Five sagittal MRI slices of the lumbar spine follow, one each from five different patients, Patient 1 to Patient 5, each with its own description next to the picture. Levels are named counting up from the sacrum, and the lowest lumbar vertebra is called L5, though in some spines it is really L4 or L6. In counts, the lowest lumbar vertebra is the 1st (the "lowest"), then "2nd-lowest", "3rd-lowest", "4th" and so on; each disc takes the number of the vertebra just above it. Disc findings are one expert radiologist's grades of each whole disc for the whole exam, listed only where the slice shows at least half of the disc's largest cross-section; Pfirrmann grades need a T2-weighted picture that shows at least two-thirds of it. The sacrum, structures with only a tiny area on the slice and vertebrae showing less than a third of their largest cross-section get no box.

Patient 1 of 5:
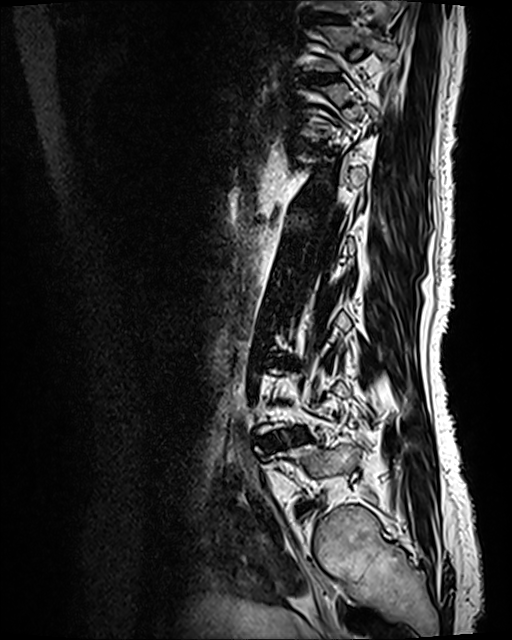

MRI lumbar spine (T2 SPACE (3D)), sagittal plane. Slice 91 of 120. Patient sex: F.

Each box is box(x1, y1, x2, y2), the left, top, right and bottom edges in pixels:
L3/L4 = box(282, 358, 292, 363).
T10 vertebra = box(308, 0, 399, 25).
T11 vertebra = box(314, 26, 397, 70).
L4/L5 = box(262, 430, 307, 448).
T11/T12 = box(314, 74, 334, 80).
T10/T11 = box(313, 14, 346, 22).

Expert MSK radiologist gradings (per disc):
• L4/L5: lower-endplate change, Modic type II, disc narrowing, disc bulging, upper-endplate change

Patient 2 of 5:
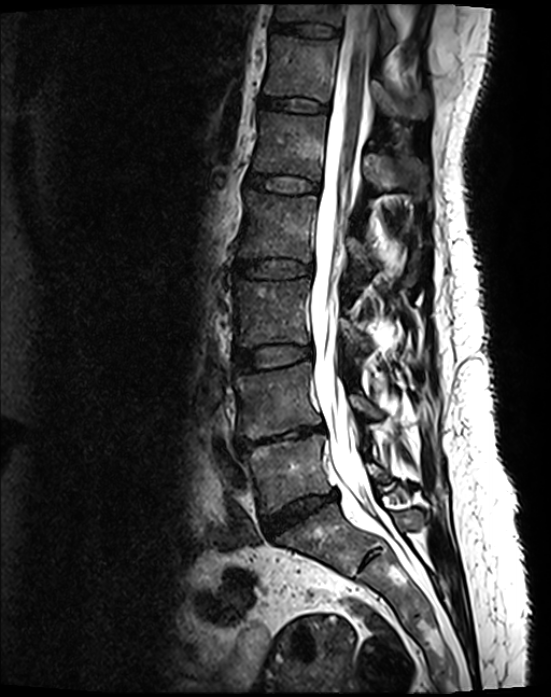

MRI lumbar spine (T2 SPACE (3D)), sagittal plane; Patient sex: F

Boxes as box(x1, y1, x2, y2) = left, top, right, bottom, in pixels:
Structures:
- T12/L1 (6th disc) — box(259, 96, 327, 112)
- T11 (7th vertebra) — box(276, 4, 395, 52)
- L5/S1 (lowest disc) — box(263, 492, 337, 535)
- L3/L4 (3rd-lowest disc) — box(235, 344, 312, 371)
- L5 (lowest vertebra) — box(243, 434, 390, 512)
- T12 (6th vertebra) — box(265, 35, 427, 119)
- IVD T11/T12 (7th disc) — box(271, 22, 339, 36)
- L4 (2nd-lowest vertebra) — box(235, 362, 384, 439)
- thecal sac / spinal canal — box(310, 4, 378, 516)
- IVD L1/L2 (5th disc) — box(248, 175, 319, 192)
- L2 (4th vertebra) — box(237, 191, 421, 287)
- IVD L2/L3 (4th disc) — box(235, 259, 312, 279)
- L3 (3rd-lowest vertebra) — box(235, 280, 410, 361)
- IVD L4/L5 (2nd-lowest disc) — box(235, 426, 323, 451)
- L1 (5th vertebra) — box(253, 111, 427, 201)

Expert MSK radiologist gradings (per disc):
• T11/T12 (7th disc): Pfirrmann grade 2
• L1/L2 (5th disc): Pfirrmann grade 2
• L5/S1 (lowest disc): Pfirrmann grade 4, disc narrowing, disc bulging
• L4/L5 (2nd-lowest disc): Pfirrmann grade 5, lower-endplate change, disc bulging, Modic type II, upper-endplate change, disc narrowing
• L3/L4 (3rd-lowest disc): Pfirrmann grade 2
• L2/L3 (4th disc): Pfirrmann grade 2
• T12/L1 (6th disc): Pfirrmann grade 2

Patient 3 of 5:
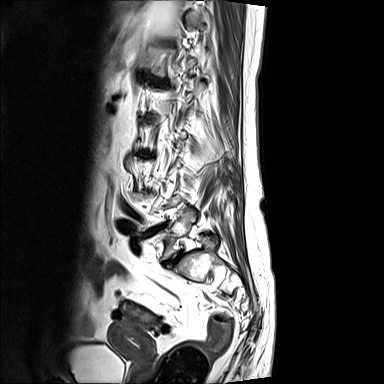 Patient sex: F; MRI lumbar spine (T2-weighted), sagittal plane; 384x384 px
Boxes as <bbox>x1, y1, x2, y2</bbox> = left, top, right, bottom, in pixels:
L5/S1 (lowest disc) = <bbox>165, 254, 180, 264</bbox>.
Disc L4/L5 (2nd-lowest disc) = <bbox>140, 225, 165, 237</bbox>.
L5 (lowest vertebra) = <bbox>140, 209, 194, 259</bbox>.
T12/L1 (6th disc) = <bbox>150, 77, 165, 84</bbox>.

Patient 4 of 5:
Lumbar spine MR, T2-weighted, sagittal; Scanner: Philips Healthcare Ingenia (3T)
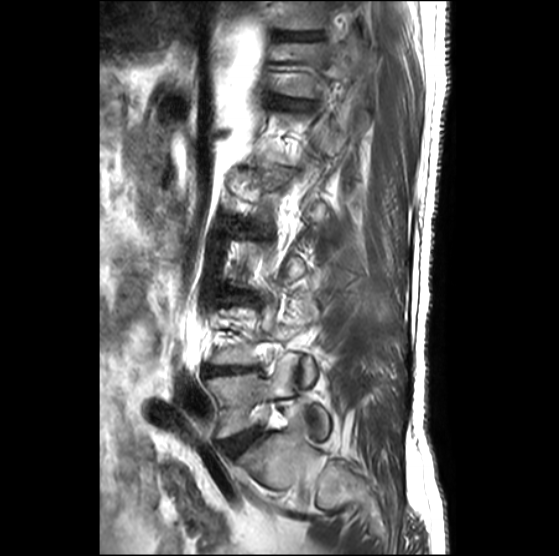
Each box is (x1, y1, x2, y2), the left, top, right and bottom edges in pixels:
Intervertebral disc L4/L5: (206, 366, 251, 372).
L5: (209, 359, 328, 437).
L5/S1: (222, 430, 258, 454).
T11: (274, 1, 330, 29).
Intervertebral disc T11/T12: (279, 32, 321, 39).

Expert MSK radiologist gradings (per disc):
• L4/L5: upper-endplate change, lower-endplate change, Modic type II, disc narrowing

Patient 5 of 5:
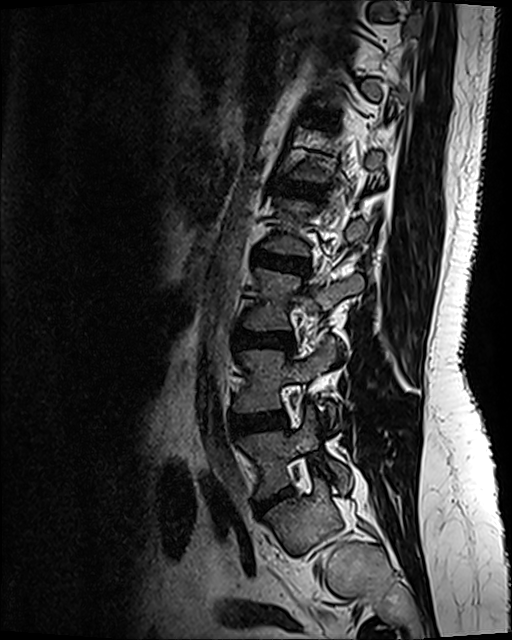

T2 SPACE (3D) sagittal MRI of the lumbar spine | Patient sex: F | Sagittal slice index 82

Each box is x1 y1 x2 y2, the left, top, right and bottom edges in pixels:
Structures:
- lowest disc: 253 491 288 511
- lowest vertebra: 239 407 351 498
- 3rd-lowest disc: 237 331 291 349
- 4th disc: 253 251 306 275
- 3rd-lowest vertebra: 244 270 363 330
- 5th disc: 272 181 325 198
- 2nd-lowest disc: 230 414 288 434
- 2nd-lowest vertebra: 235 337 337 421

Degenerative findings by level:
  3rd-lowest disc: disc bulging
  5th disc: Pfirrmann grade 2, upper-endplate change, lower-endplate change
  2nd-lowest disc: disc bulging
  4th disc: Pfirrmann grade 4, disc bulging, lower-endplate change, upper-endplate change